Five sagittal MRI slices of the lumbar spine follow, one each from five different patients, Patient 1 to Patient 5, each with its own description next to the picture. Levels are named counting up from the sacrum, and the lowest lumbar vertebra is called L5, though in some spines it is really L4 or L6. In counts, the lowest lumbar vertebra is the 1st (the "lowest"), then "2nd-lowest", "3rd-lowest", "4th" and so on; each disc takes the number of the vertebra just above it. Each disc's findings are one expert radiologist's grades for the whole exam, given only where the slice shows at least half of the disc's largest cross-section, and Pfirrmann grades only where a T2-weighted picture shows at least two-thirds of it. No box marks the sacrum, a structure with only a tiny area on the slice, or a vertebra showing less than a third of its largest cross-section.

Patient 1 of 5:
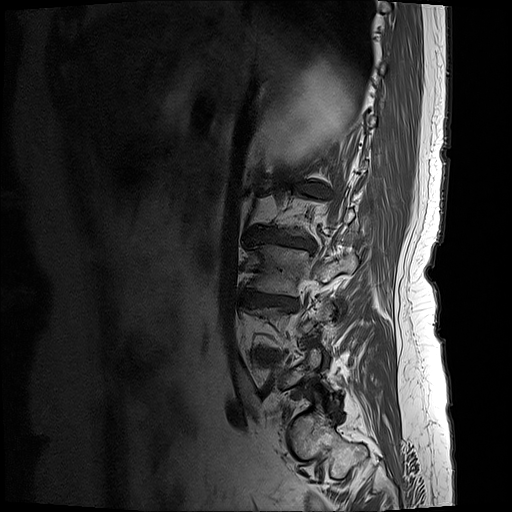

MRI lumbar spine (T1-weighted), sagittal plane
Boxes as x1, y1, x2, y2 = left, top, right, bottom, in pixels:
* intervertebral disc L2/L3 (4th disc) — 253, 231, 313, 252
* L3/L4 (3rd-lowest disc) — 243, 293, 294, 309
* L3 (3rd-lowest vertebra) — 253, 246, 357, 295

Expert MSK radiologist gradings (per disc):
  L3/L4 (3rd-lowest disc): Modic type II, lower-endplate change, upper-endplate change, disc narrowing, disc bulging
  L2/L3 (4th disc): upper-endplate change, lower-endplate change, disc narrowing, disc bulging, Modic type II

Patient 2 of 5:
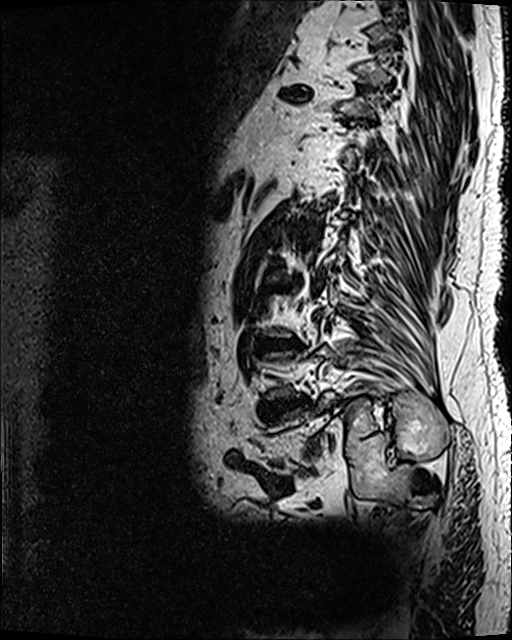 Slice 32/120. Patient sex: M. Lumbar spine MR, T2 SPACE (3D), sagittal.
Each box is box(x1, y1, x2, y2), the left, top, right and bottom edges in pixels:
L2/L3 (4th disc): box(272, 283, 291, 289).
IVD L3/L4 (3rd-lowest disc): box(258, 337, 300, 350).
IVD L4/L5 (2nd-lowest disc): box(257, 396, 310, 424).
T10/T11 (8th disc): box(280, 85, 310, 100).

Patient 3 of 5:
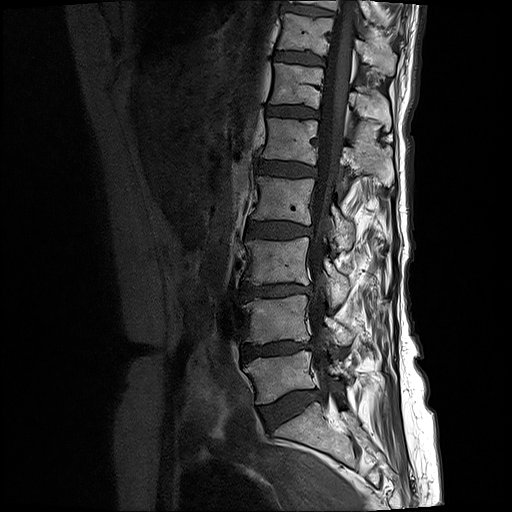 Sagittal T1-weighted lumbar spine MRI; Patient sex: F; Image 512x512; Slice spacing 3.3 mm; Sagittal slice index 10
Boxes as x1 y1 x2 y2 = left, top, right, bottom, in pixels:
Spinal canal at 309 0 355 393.
T10 at 295 0 403 33.
IVD L1/L2 at 259 161 316 177.
L1 vertebra at 263 118 394 189.
IVD L4/L5 at 243 338 314 359.
L3 at 247 238 350 309.
T12 at 270 63 391 129.
IVD L3/L4 at 242 282 313 297.
T10/T11 at 286 6 333 15.
L4 vertebra at 243 295 354 345.
T11 at 278 13 397 74.
T12/L1 at 267 105 318 119.
L5 at 245 350 353 404.
L2 at 252 176 355 250.
L2/L3 at 247 219 312 238.
IVD T11/T12 at 275 51 326 64.
IVD L5/S1 at 260 391 318 424.

Radiological gradings:
  T12/L1: Modic type II, lower-endplate change, upper-endplate change
  L1/L2: Modic type II, lower-endplate change, upper-endplate change
  T10/T11: upper-endplate change, lower-endplate change
  L5/S1: disc bulging
  L2/L3: Modic type II, disc bulging, upper-endplate change, lower-endplate change
  L3/L4: disc narrowing, upper-endplate change, Modic type II, disc bulging, lower-endplate change
  L4/L5: disc bulging, lower-endplate change, upper-endplate change, disc narrowing, Modic type II
  T11/T12: lower-endplate change, upper-endplate change, Modic type II

Patient 4 of 5:
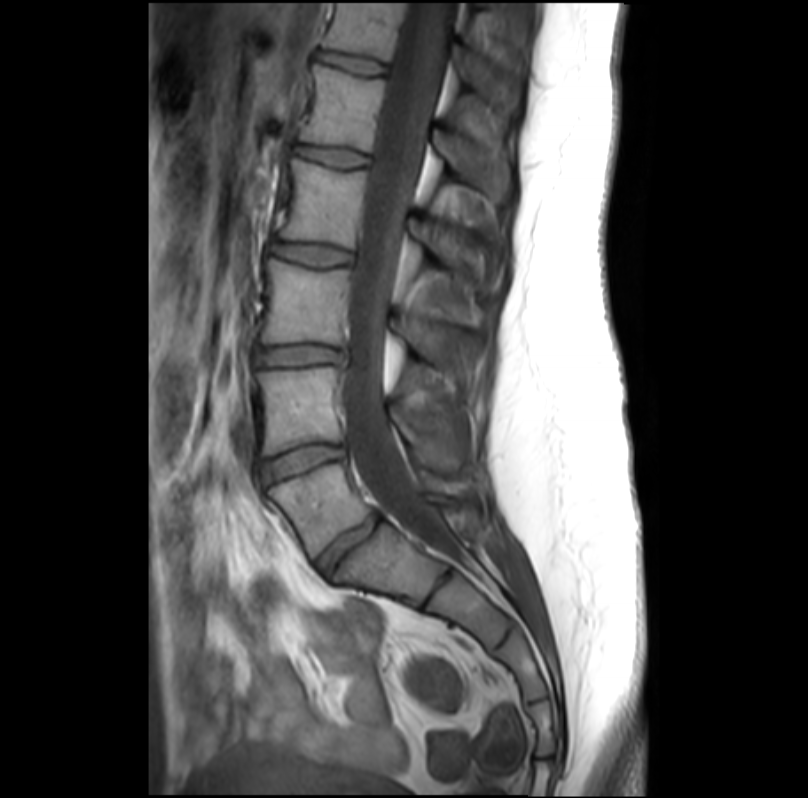

MRI lumbar spine (T1-weighted), sagittal plane.

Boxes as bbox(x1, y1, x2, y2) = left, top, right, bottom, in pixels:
L2 (4th vertebra): bbox(283, 158, 502, 291)
L1 (5th vertebra): bbox(300, 65, 508, 200)
T12 (6th vertebra): bbox(323, 3, 518, 109)
IVD L5/S1 (lowest disc): bbox(317, 512, 382, 570)
L3 (3rd-lowest vertebra): bbox(262, 258, 481, 381)
IVD L1/L2 (5th disc): bbox(300, 146, 367, 166)
IVD L2/L3 (4th disc): bbox(272, 240, 350, 265)
L5 (lowest vertebra): bbox(270, 463, 469, 557)
IVD L4/L5 (2nd-lowest disc): bbox(266, 443, 345, 480)
L3/L4 (3rd-lowest disc): bbox(260, 344, 342, 364)
T12/L1 (6th disc): bbox(321, 51, 384, 74)
L4 (2nd-lowest vertebra): bbox(258, 367, 463, 471)
thecal sac / spinal canal: bbox(345, 3, 451, 555)

Expert MSK radiologist gradings (per disc):
- L3/L4 (3rd-lowest disc): disc bulging
- L5/S1 (lowest disc): disc narrowing
- L1/L2 (5th disc), T12/L1 (6th disc), L4/L5 (2nd-lowest disc), L2/L3 (4th disc): no Modic or endplate change, herniation, narrowing, bulging or spondylolisthesis recorded

Patient 5 of 5:
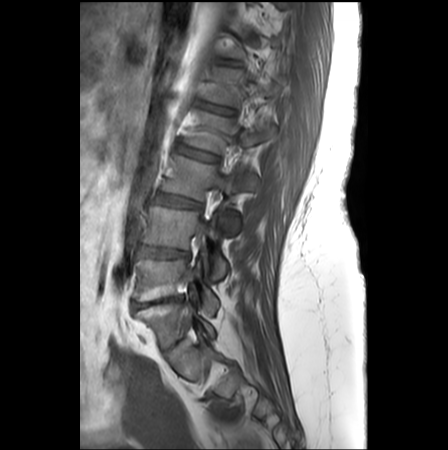 T1-weighted sagittal MRI of the lumbar spine.

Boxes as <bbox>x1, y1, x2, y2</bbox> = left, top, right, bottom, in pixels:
6th disc = <bbox>221, 60, 238, 66</bbox> | 3rd-lowest vertebra = <bbox>161, 156, 257, 234</bbox> | lowest disc = <bbox>132, 296, 182, 310</bbox> | lowest vertebra = <bbox>133, 260, 218, 314</bbox> | 5th vertebra = <bbox>201, 68, 281, 106</bbox> | 4th vertebra = <bbox>183, 111, 273, 153</bbox> | 4th disc = <bbox>176, 144, 218, 162</bbox> | 3rd-lowest disc = <bbox>153, 193, 201, 207</bbox> | 2nd-lowest vertebra = <bbox>143, 206, 227, 278</bbox> | 2nd-lowest disc = <bbox>137, 245, 189, 259</bbox> | 5th disc = <bbox>197, 100, 232, 115</bbox>

Radiological gradings:
- 4th disc: upper-endplate change, lower-endplate change
- lowest disc: disc bulging, disc narrowing, spondylolisthesis, Modic type II
- 5th disc: lower-endplate change, upper-endplate change
- 2nd-lowest disc: disc herniation, disc bulging
- 3rd-lowest disc: Modic type II, disc bulging